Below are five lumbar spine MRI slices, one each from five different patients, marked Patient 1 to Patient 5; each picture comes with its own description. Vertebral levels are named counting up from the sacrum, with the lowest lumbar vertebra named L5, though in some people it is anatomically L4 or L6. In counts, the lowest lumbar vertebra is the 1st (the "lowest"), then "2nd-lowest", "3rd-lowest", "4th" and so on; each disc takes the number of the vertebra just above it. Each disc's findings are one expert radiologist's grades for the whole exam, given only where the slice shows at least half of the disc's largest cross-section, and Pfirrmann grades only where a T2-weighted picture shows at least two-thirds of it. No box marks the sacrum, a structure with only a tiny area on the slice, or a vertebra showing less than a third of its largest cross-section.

Patient 1 of 5:
Sagittal slice index 9. 448x448 px. T2-weighted sagittal MRI of the lumbar spine.

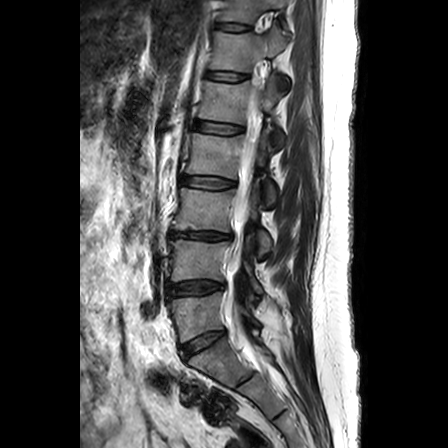 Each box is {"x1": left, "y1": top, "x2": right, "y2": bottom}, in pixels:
Annotations:
* 2nd-lowest vertebra: {"x1": 170, "y1": 240, "x2": 262, "y2": 293}
* 7th disc: {"x1": 218, "y1": 23, "x2": 249, "y2": 31}
* lowest disc: {"x1": 181, "y1": 331, "x2": 225, "y2": 359}
* 7th vertebra: {"x1": 221, "y1": 0, "x2": 287, "y2": 23}
* thecal sac / spinal canal: {"x1": 228, "y1": 87, "x2": 260, "y2": 346}
* 5th disc: {"x1": 194, "y1": 121, "x2": 242, "y2": 134}
* 4th vertebra: {"x1": 186, "y1": 133, "x2": 275, "y2": 205}
* lowest vertebra: {"x1": 169, "y1": 292, "x2": 258, "y2": 342}
* 3rd-lowest vertebra: {"x1": 173, "y1": 188, "x2": 271, "y2": 255}
* 3rd-lowest disc: {"x1": 170, "y1": 231, "x2": 230, "y2": 239}
* 6th disc: {"x1": 207, "y1": 72, "x2": 246, "y2": 81}
* 2nd-lowest disc: {"x1": 168, "y1": 281, "x2": 222, "y2": 295}
* 4th disc: {"x1": 180, "y1": 175, "x2": 234, "y2": 188}
* 5th vertebra: {"x1": 199, "y1": 75, "x2": 282, "y2": 147}
* 6th vertebra: {"x1": 210, "y1": 26, "x2": 285, "y2": 71}

Expert MSK radiologist gradings (per disc):
- 4th disc: Pfirrmann grade 1
- 3rd-lowest disc: Pfirrmann grade 3, disc herniation, upper-endplate change, lower-endplate change, disc narrowing, Modic type II
- lowest disc: Pfirrmann grade 3
- 2nd-lowest disc: Pfirrmann grade 3, disc bulging
- 6th disc: Pfirrmann grade 2
- 5th disc: Pfirrmann grade 2
- 7th disc: no herniation, bulging, narrowing, spondylolisthesis, endplate or Modic change recorded

Patient 2 of 5:
Field of view 308x308 mm, slice spacing 4.4 mm. Sex F. Lumbar spine MR, T2-weighted, sagittal.

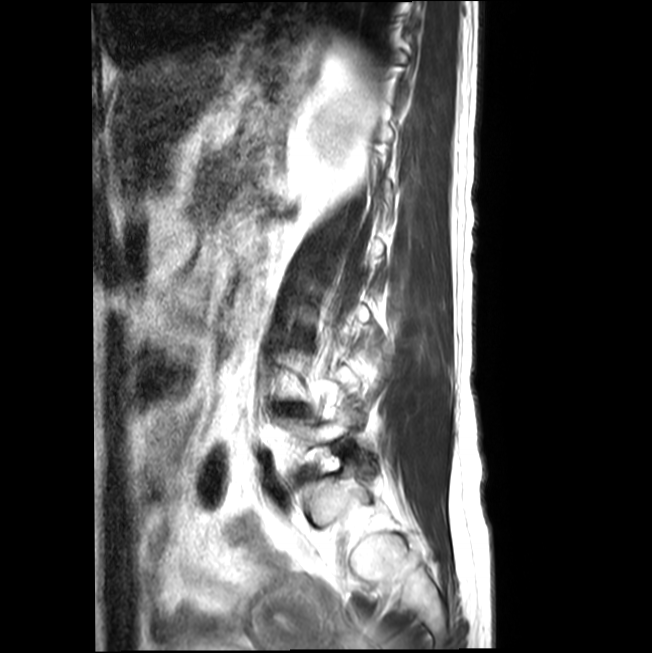
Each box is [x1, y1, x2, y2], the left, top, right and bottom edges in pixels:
L5 = [276, 405, 366, 458].
L4/L5 = [282, 405, 300, 411].

Patient 3 of 5:
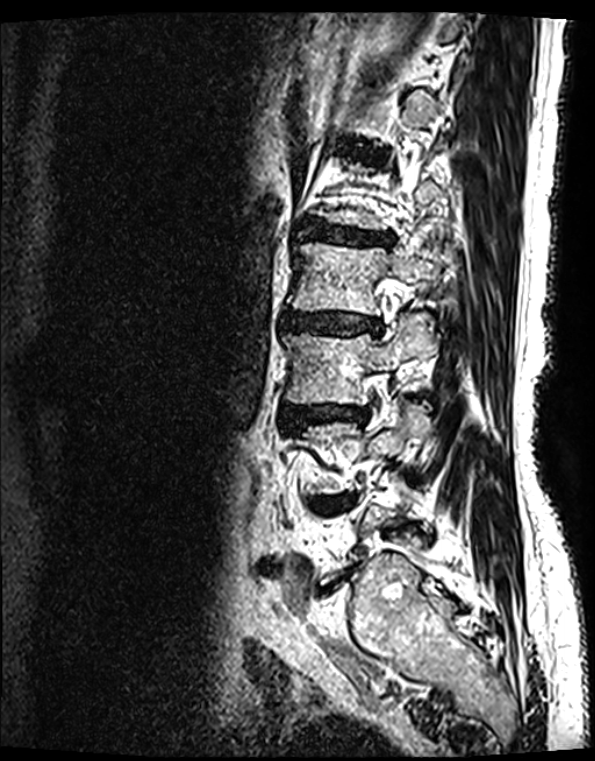
Slice 97/139. Patient sex: F. Image 595x761. MRI lumbar spine (T2 SPACE (3D)), sagittal plane.

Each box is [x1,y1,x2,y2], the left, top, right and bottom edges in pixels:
Segmented structures:
- 5th disc: [299,227,388,244]
- 2nd-lowest disc: [313,494,352,515]
- 4th vertebra: [286,243,457,315]
- 3rd-lowest disc: [283,404,370,430]
- 3rd-lowest vertebra: [281,312,435,404]
- 4th disc: [281,313,378,335]
- 2nd-lowest vertebra: [303,397,429,494]

Expert MSK radiologist gradings (per disc):
  3rd-lowest disc: Pfirrmann grade 4, disc narrowing, Modic type II, lower-endplate change, upper-endplate change, disc bulging
  4th disc: Pfirrmann grade 4, Modic type II, upper-endplate change, lower-endplate change, disc bulging, disc narrowing
  5th disc: Pfirrmann grade 4, upper-endplate change, disc narrowing, lower-endplate change, Modic type II, disc bulging

Patient 4 of 5:
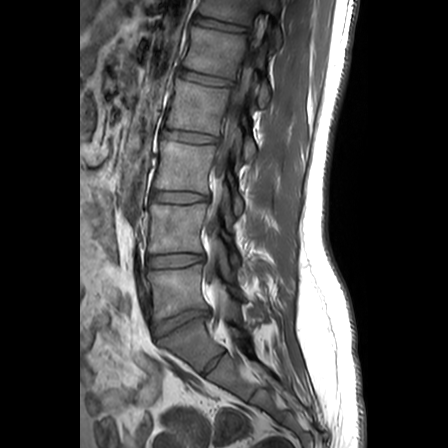 448x448 px. MRI lumbar spine (T1-weighted), sagittal plane. Slice 15 of 24.
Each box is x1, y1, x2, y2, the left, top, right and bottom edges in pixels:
L3/L4 at 152, 191, 207, 202; spinal canal at 205, 17, 263, 323; L2 at 166, 78, 255, 159; L4 vertebra at 148, 203, 238, 262; L1 vertebra at 184, 26, 269, 107; intervertebral disc L5/S1 at 153, 310, 209, 336; intervertebral disc L2/L3 at 162, 128, 217, 142; L3 at 154, 140, 242, 213; L5 at 148, 264, 241, 320; T12 at 199, 0, 281, 46; T12/L1 at 194, 16, 249, 32; intervertebral disc L4/L5 at 148, 254, 204, 267; intervertebral disc L1/L2 at 178, 69, 231, 85.

Degenerative findings by level:
- L5/S1: lower-endplate change, upper-endplate change, disc herniation, Modic type II
- L3/L4, T12/L1, L4/L5, L2/L3, L1/L2: no herniation, bulging, narrowing, spondylolisthesis, endplate or Modic change recorded

Patient 5 of 5:
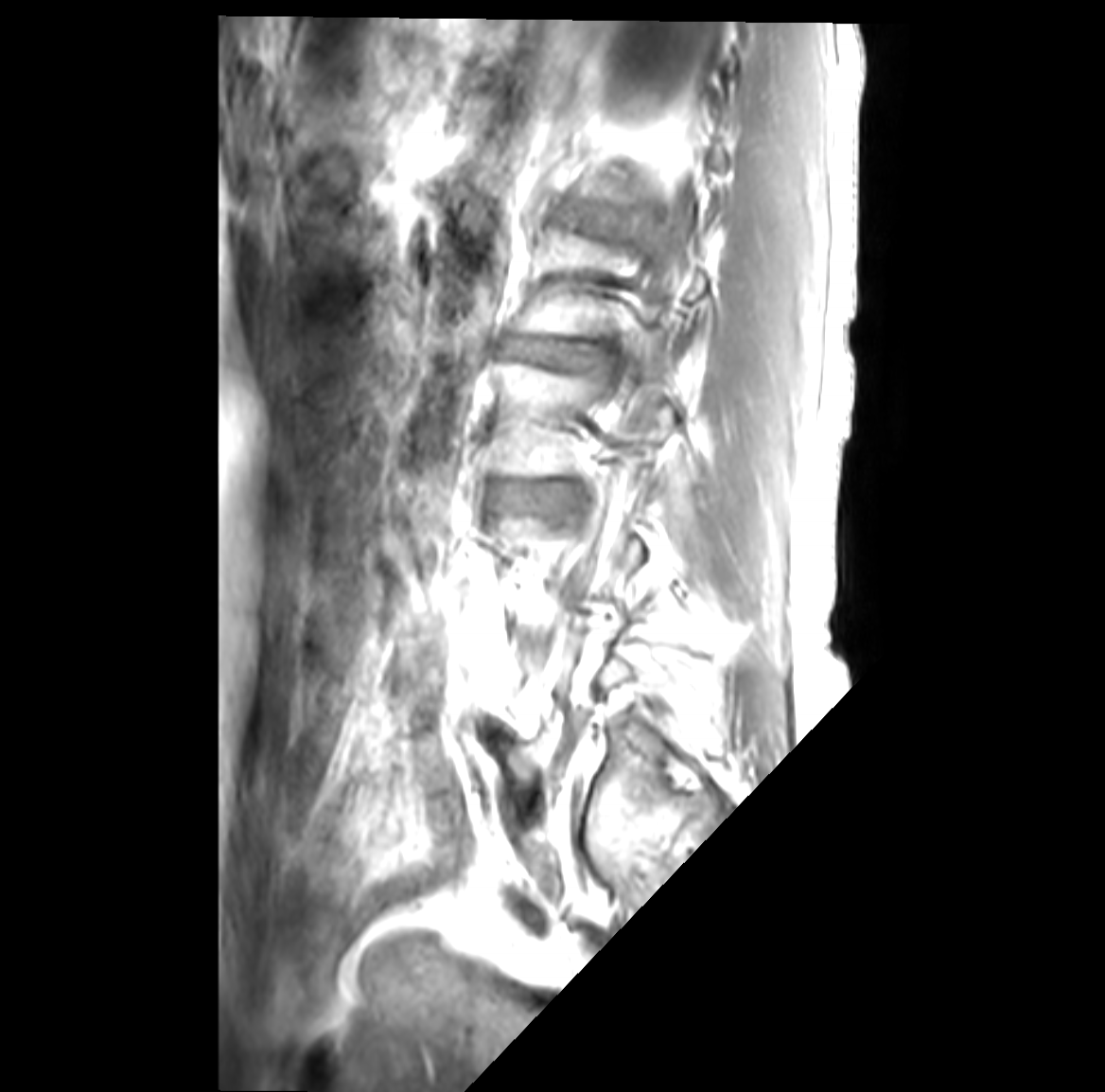 Sex F | T1-weighted sagittal MRI of the lumbar spine | Sagittal slice index 28
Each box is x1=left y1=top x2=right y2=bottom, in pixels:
3rd-lowest vertebra = x1=490 y1=361 x2=673 y2=475.
3rd-lowest disc = x1=495 y1=483 x2=555 y2=501.
4th vertebra = x1=515 y1=228 x2=705 y2=338.
4th disc = x1=503 y1=339 x2=604 y2=367.

Radiological gradings:
- 4th disc: disc narrowing, disc bulging, Modic type II